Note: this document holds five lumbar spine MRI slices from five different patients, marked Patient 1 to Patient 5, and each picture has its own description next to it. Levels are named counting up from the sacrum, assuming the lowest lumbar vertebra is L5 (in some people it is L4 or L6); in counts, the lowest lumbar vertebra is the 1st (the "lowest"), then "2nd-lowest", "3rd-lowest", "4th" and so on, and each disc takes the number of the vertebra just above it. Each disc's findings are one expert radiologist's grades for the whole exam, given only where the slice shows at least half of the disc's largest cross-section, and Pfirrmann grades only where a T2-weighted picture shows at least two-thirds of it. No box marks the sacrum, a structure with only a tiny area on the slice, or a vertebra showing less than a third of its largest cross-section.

Patient 1 of 5:
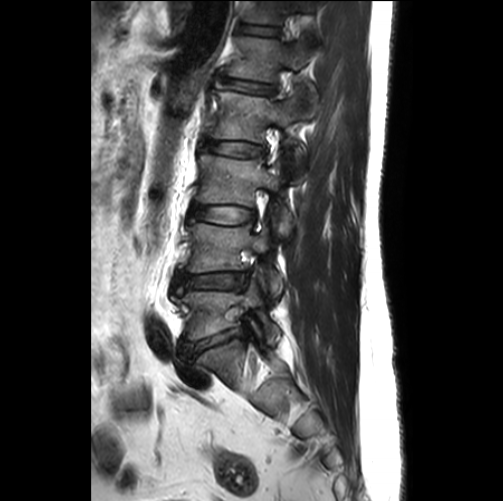 Slice 18 of 26. MRI lumbar spine (T2-weighted), sagittal plane.

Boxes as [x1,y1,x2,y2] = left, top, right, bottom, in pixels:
2nd-lowest disc: [173,272,246,294]
2nd-lowest vertebra: [179,220,282,297]
5th vertebra: [227,36,317,118]
6th disc: [240,24,279,35]
4th vertebra: [206,88,306,171]
5th disc: [223,78,275,94]
lowest vertebra: [171,281,279,345]
lowest disc: [178,329,244,364]
3rd-lowest disc: [189,203,254,223]
4th disc: [203,140,265,157]
3rd-lowest vertebra: [196,153,291,241]
6th vertebra: [244,1,311,24]

Expert MSK radiologist gradings (per disc):
• 2nd-lowest disc: Pfirrmann grade 3, disc bulging, Modic type II, upper-endplate change, disc narrowing, lower-endplate change
• 6th disc: Pfirrmann grade 1
• 4th disc: Pfirrmann grade 2
• 3rd-lowest disc: Pfirrmann grade 2
• lowest disc: Pfirrmann grade 3, disc bulging, disc narrowing
• 5th disc: Pfirrmann grade 2

Patient 2 of 5:
Sagittal T1-weighted lumbar spine MRI | Field of view 280x280 mm, slice spacing 3.3 mm | Image 448x448 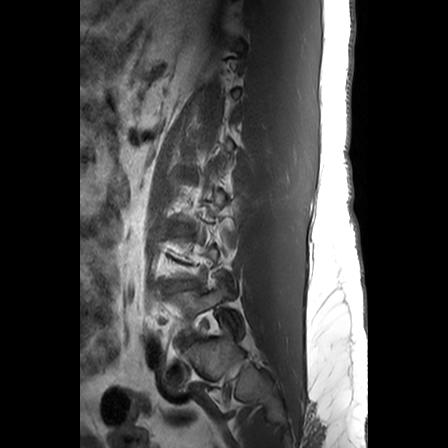
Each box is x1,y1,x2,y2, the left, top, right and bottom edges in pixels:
Structures:
* lowest vertebra — 171,279,243,335
* 2nd-lowest disc — 170,281,196,290

Patient 3 of 5:
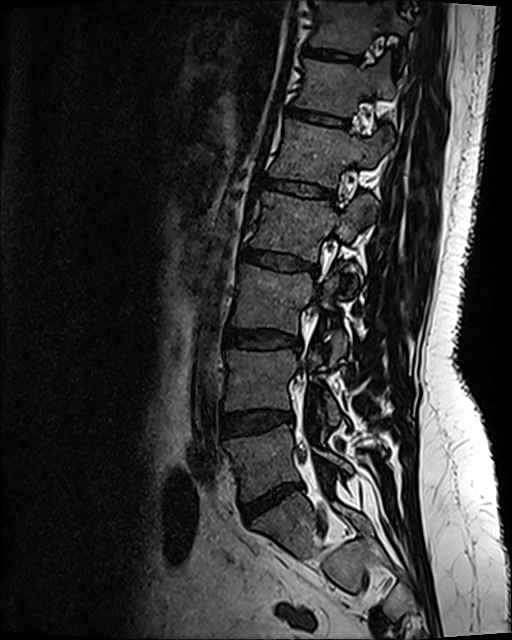 Slice 75/120; Lumbar spine MR, T2 SPACE (3D), sagittal; Patient sex: F
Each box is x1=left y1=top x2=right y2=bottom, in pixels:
L3/L4: x1=225 y1=329 x2=293 y2=348.
Intervertebral disc L5/S1: x1=243 y1=485 x2=301 y2=520.
L1/L2: x1=264 y1=181 x2=334 y2=200.
L1: x1=271 y1=120 x2=392 y2=187.
L2/L3: x1=241 y1=249 x2=316 y2=273.
T11: x1=311 y1=3 x2=408 y2=53.
T12/L1: x1=290 y1=109 x2=347 y2=130.
T11/T12: x1=305 y1=51 x2=360 y2=63.
L4 vertebra: x1=226 y1=351 x2=340 y2=424.
L4/L5: x1=223 y1=412 x2=292 y2=434.
L2: x1=250 y1=193 x2=375 y2=261.
L5 vertebra: x1=227 y1=425 x2=351 y2=499.
T12 vertebra: x1=296 y1=61 x2=394 y2=116.
L3 vertebra: x1=231 y1=264 x2=347 y2=364.

Per-level radiological findings:
  T11/T12: Pfirrmann grade 2
  L4/L5: Pfirrmann grade 2, disc bulging
  L2/L3: Pfirrmann grade 4, upper-endplate change, lower-endplate change, disc bulging
  T12/L1: Pfirrmann grade 2, upper-endplate change, lower-endplate change
  L1/L2: Pfirrmann grade 2, upper-endplate change, lower-endplate change
  L3/L4: Pfirrmann grade 2, disc bulging
  L5/S1: Pfirrmann grade 1, disc bulging, disc narrowing, disc herniation

Patient 4 of 5:
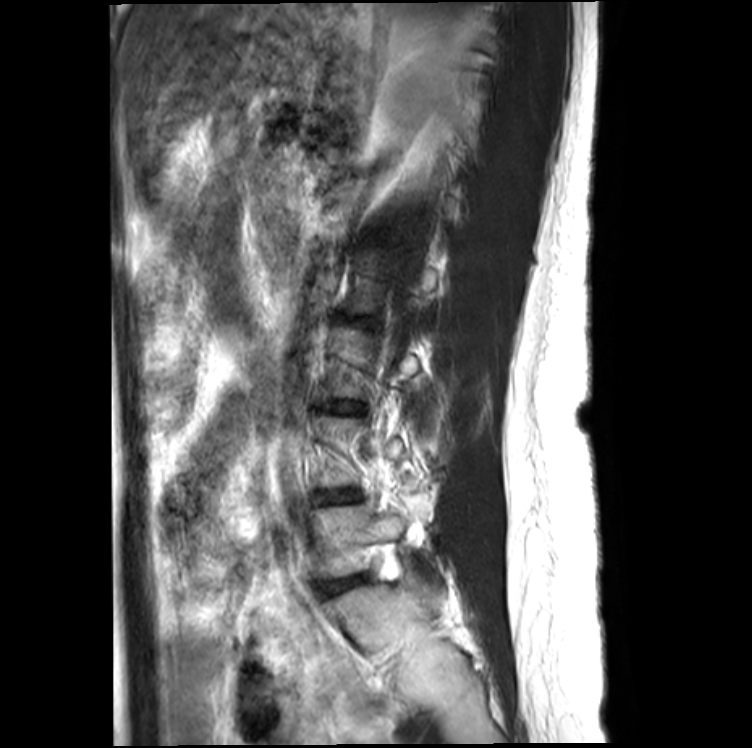
MRI lumbar spine (T2-weighted), sagittal plane, Image 752x748, Sex F

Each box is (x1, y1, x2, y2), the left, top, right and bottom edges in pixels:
L5/S1: (330, 578, 357, 592).
Disc L4/L5: (314, 489, 357, 503).
L3/L4: (330, 405, 353, 411).
L5: (311, 505, 405, 576).

Patient 5 of 5:
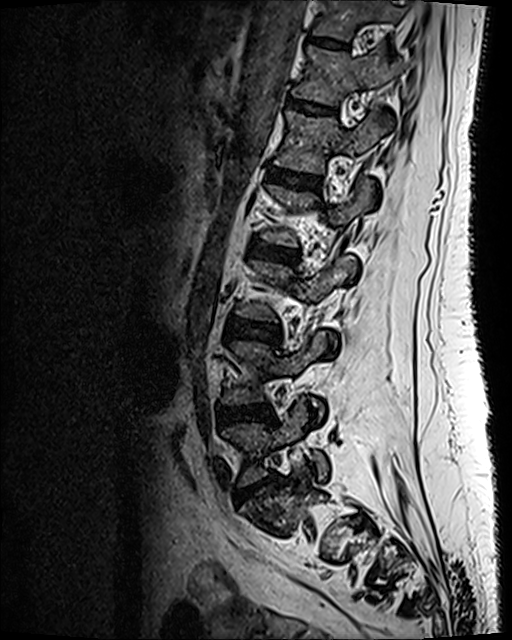 512x640 px | Sagittal slice index 40 | MRI lumbar spine (T2 SPACE (3D)), sagittal plane
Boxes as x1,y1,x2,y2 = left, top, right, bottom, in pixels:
{"L2/L3 (4th disc)": "250,242,297,264", "T12 (6th vertebra)": "292,46,405,104", "T11 (7th vertebra)": "315,0,406,41", "L3/L4 (3rd-lowest disc)": "226,319,280,340", "T11/T12 (7th disc)": "310,36,345,48", "L2 (4th vertebra)": "261,180,373,246", "L1/L2 (5th disc)": "272,170,319,189", "IVD T12/L1 (6th disc)": "288,100,334,114", "L4/L5 (2nd-lowest disc)": "219,405,271,425", "L4 (2nd-lowest vertebra)": "223,331,326,414", "L5 (lowest vertebra)": "223,401,329,485", "L3 (3rd-lowest vertebra)": "237,255,355,320", "L5/S1 (lowest disc)": "237,476,273,499", "L1 (5th vertebra)": "275,111,385,173"}

Per-level radiological findings:
• L1/L2 (5th disc), L3/L4 (3rd-lowest disc): no herniation, bulging, narrowing, spondylolisthesis, endplate or Modic change recorded